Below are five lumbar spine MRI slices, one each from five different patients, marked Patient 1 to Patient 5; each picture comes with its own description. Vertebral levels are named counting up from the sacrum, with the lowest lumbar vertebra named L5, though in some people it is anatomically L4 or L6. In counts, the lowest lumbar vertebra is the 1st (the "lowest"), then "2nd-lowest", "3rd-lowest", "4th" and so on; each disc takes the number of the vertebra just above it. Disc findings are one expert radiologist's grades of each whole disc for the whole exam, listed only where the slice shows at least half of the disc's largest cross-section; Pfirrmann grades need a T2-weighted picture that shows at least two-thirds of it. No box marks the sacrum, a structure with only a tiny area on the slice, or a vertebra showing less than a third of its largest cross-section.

Patient 1 of 5:
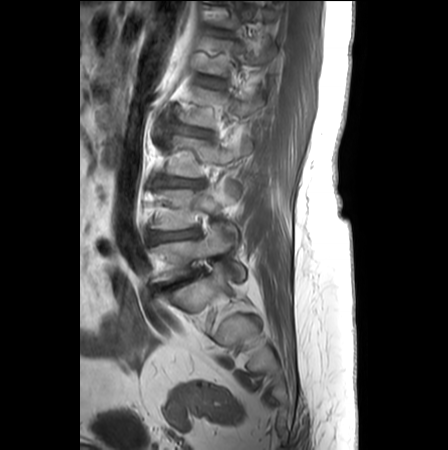 Sagittal T1-weighted lumbar spine MRI; Patient sex: F

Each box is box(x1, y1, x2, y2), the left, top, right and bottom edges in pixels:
{"4th disc": "box(173, 124, 211, 137)", "2nd-lowest disc": "box(150, 228, 199, 241)", "6th disc": "box(211, 29, 232, 37)", "lowest vertebra": "box(152, 223, 245, 281)", "3rd-lowest disc": "box(158, 176, 203, 188)", "5th disc": "box(199, 75, 224, 87)", "lowest disc": "box(153, 267, 205, 294)", "2nd-lowest vertebra": "box(152, 184, 240, 247)", "3rd-lowest vertebra": "box(157, 136, 252, 176)"}

Radiological gradings:
  lowest disc: Modic type II, disc bulging, upper-endplate change, lower-endplate change, disc narrowing
  3rd-lowest disc: disc narrowing, Modic type II, disc bulging, upper-endplate change, lower-endplate change
  4th disc: disc narrowing, disc bulging, lower-endplate change, Modic type II, upper-endplate change
  2nd-lowest disc: upper-endplate change, disc narrowing, lower-endplate change, Modic type II, disc bulging

Patient 2 of 5:
512x640 px, Sex M, Scanner: SIEMENS Avanto_fit (1.5T), Slice 85 of 120, Sagittal T2 SPACE (3D) lumbar spine MRI 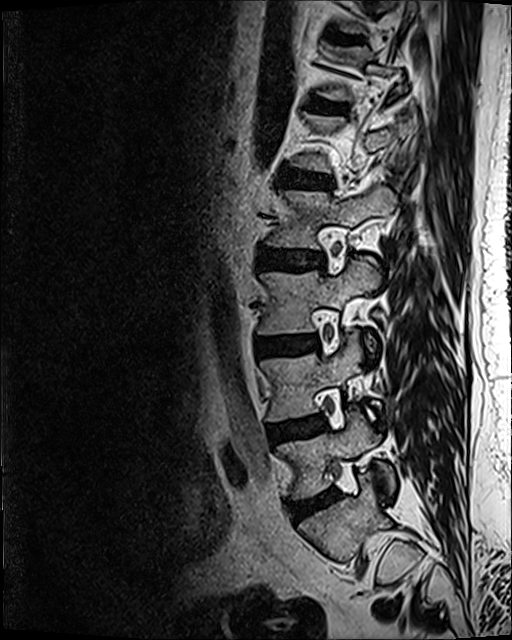 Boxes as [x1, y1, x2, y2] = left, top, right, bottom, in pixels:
disc L3/L4 (3rd-lowest disc): [258, 337, 315, 355]
disc T12/L1 (6th disc): [310, 100, 345, 112]
L4/L5 (2nd-lowest disc): [267, 418, 324, 444]
L2 (4th vertebra): [267, 185, 395, 248]
L2/L3 (4th disc): [262, 248, 322, 270]
L1/L2 (5th disc): [279, 169, 333, 189]
L5 (lowest vertebra): [277, 409, 393, 498]
disc L5/S1 (lowest disc): [288, 489, 337, 523]
L4 (2nd-lowest vertebra): [262, 331, 362, 421]
L3 (3rd-lowest vertebra): [258, 259, 380, 351]
T11/T12 (7th disc): [328, 33, 362, 44]

Expert MSK radiologist gradings (per disc):
  L3/L4 (3rd-lowest disc): disc bulging, Modic type II
  L2/L3 (4th disc): Pfirrmann grade 3, disc bulging
  L1/L2 (5th disc): disc bulging
  L4/L5 (2nd-lowest disc): Modic type II, disc bulging

Patient 3 of 5:
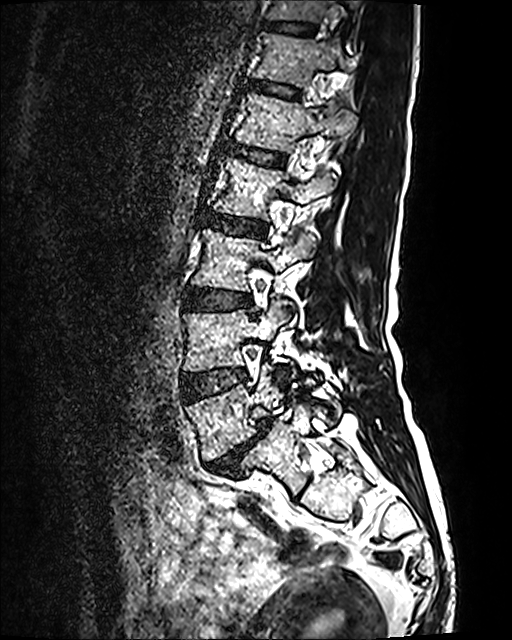 Sagittal slice index 43. T2 SPACE (3D) sagittal MRI of the lumbar spine.

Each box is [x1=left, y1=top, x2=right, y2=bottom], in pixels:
L1 (5th vertebra) at [x1=235, y1=93, x2=355, y2=152].
T12 (6th vertebra) at [x1=252, y1=32, x2=355, y2=86].
L4 (2nd-lowest vertebra) at [x1=183, y1=299, x2=295, y2=377].
IVD L2/L3 (4th disc) at [x1=203, y1=211, x2=265, y2=236].
T11 (7th vertebra) at [x1=267, y1=0, x2=358, y2=21].
L2 (4th vertebra) at [x1=213, y1=157, x2=334, y2=219].
L5/S1 (lowest disc) at [x1=207, y1=419, x2=270, y2=473].
L3 (3rd-lowest vertebra) at [x1=192, y1=229, x2=313, y2=290].
L5 (lowest vertebra) at [x1=185, y1=366, x2=340, y2=460].
IVD L4/L5 (2nd-lowest disc) at [x1=182, y1=369, x2=246, y2=401].
IVD T11/T12 (7th disc) at [x1=262, y1=22, x2=313, y2=33].
IVD T12/L1 (6th disc) at [x1=249, y1=82, x2=299, y2=98].
L1/L2 (5th disc) at [x1=225, y1=143, x2=284, y2=166].
IVD L3/L4 (3rd-lowest disc) at [x1=184, y1=288, x2=249, y2=309].

Per-level radiological findings:
• L2/L3 (4th disc): Pfirrmann grade 2
• T11/T12 (7th disc): Pfirrmann grade 2
• L1/L2 (5th disc): Pfirrmann grade 2
• L4/L5 (2nd-lowest disc): Pfirrmann grade 2
• T12/L1 (6th disc): Pfirrmann grade 2
• L5/S1 (lowest disc): Pfirrmann grade 5, disc narrowing, disc bulging, spondylolisthesis, Modic type II
• L3/L4 (3rd-lowest disc): Pfirrmann grade 2

Patient 4 of 5:
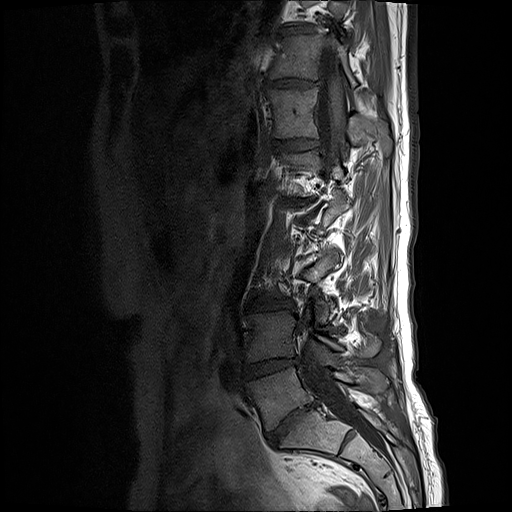

Slice spacing 3.3 mm. Sagittal T1-weighted lumbar spine MRI.
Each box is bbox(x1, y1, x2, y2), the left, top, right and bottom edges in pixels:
Segmented structures:
* 8th disc = bbox(281, 29, 314, 35)
* 3rd-lowest disc = bbox(247, 295, 291, 310)
* 2nd-lowest disc = bbox(242, 359, 297, 379)
* thecal sac / spinal canal = bbox(301, 46, 380, 446)
* 6th disc = bbox(272, 140, 317, 153)
* 7th disc = bbox(264, 77, 319, 89)
* 6th vertebra = bbox(266, 89, 389, 149)
* lowest disc = bbox(267, 403, 314, 443)
* lowest vertebra = bbox(246, 366, 387, 430)
* 7th vertebra = bbox(270, 35, 360, 90)
* 2nd-lowest vertebra = bbox(246, 307, 379, 361)
* 5th disc = bbox(282, 197, 310, 204)

Degenerative findings by level:
• 7th disc: disc narrowing, disc bulging
• 2nd-lowest disc: disc bulging, disc narrowing, Modic type II
• lowest disc: upper-endplate change, disc narrowing, disc bulging, lower-endplate change, Modic type II
• 3rd-lowest disc: disc bulging
• 6th disc: no herniation, bulging, narrowing, spondylolisthesis, endplate or Modic change recorded

Patient 5 of 5:
T1-weighted sagittal MRI of the lumbar spine | Slice 13 of 26

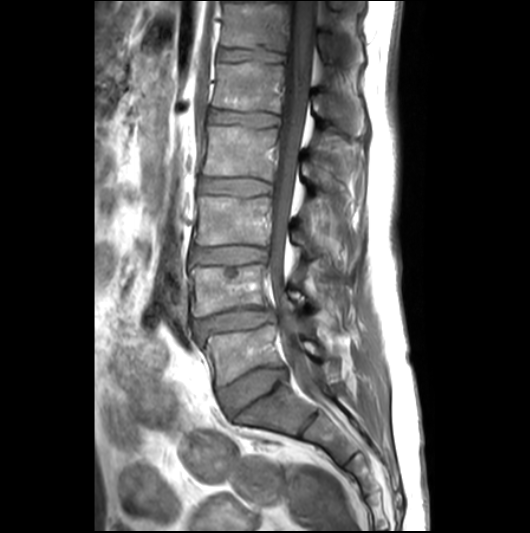
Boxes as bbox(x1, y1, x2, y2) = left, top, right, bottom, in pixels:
4th disc: bbox(201, 178, 270, 197) | 2nd-lowest vertebra: bbox(190, 264, 343, 327) | 3rd-lowest vertebra: bbox(194, 196, 343, 271) | 3rd-lowest disc: bbox(193, 246, 266, 264) | 6th disc: bbox(220, 46, 284, 63) | thecal sac / spinal canal: bbox(268, 1, 318, 396) | 6th vertebra: bbox(222, 4, 361, 66) | lowest vertebra: bbox(201, 325, 323, 385) | 5th disc: bbox(208, 110, 278, 129) | 2nd-lowest disc: bbox(194, 308, 276, 335) | 4th vertebra: bbox(202, 127, 352, 214) | 5th vertebra: bbox(213, 62, 363, 132) | lowest disc: bbox(217, 367, 285, 415)

Per-level radiological findings:
  lowest disc: disc bulging
  2nd-lowest disc: disc bulging, Modic type II, disc narrowing, disc herniation
  3rd-lowest disc: upper-endplate change, disc bulging
  6th disc: lower-endplate change
  4th disc, 5th disc: no Modic or endplate change, herniation, narrowing, bulging or spondylolisthesis recorded